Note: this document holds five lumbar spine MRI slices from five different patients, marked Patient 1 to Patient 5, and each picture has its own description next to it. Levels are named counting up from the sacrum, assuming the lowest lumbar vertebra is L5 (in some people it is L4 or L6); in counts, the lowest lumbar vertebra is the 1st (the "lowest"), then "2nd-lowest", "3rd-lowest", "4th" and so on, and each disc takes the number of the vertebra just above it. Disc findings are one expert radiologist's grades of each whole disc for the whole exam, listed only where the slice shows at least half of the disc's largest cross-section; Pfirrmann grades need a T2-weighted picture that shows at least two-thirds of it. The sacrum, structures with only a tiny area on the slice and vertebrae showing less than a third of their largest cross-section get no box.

Patient 1 of 5:
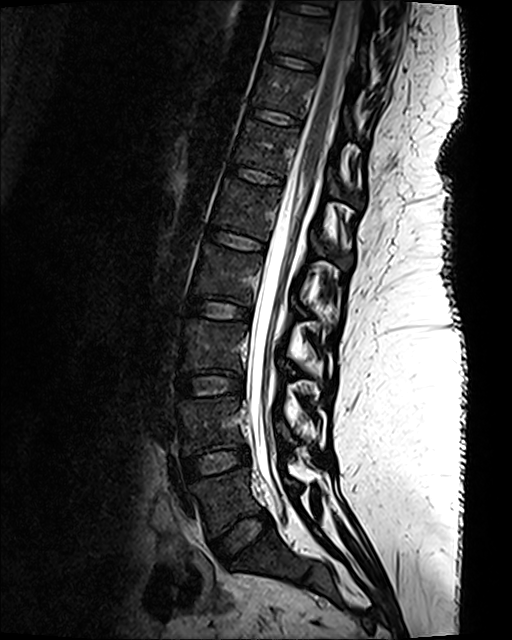

Lumbar spine MR, T2 SPACE (3D), sagittal, Slice spacing 0.9 mm, Slice 64/120

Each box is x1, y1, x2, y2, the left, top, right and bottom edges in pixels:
L3/L4 at 178, 374, 243, 396; T10/T11 at 266, 52, 318, 71; T11 at 252, 64, 351, 134; L4 vertebra at 177, 394, 296, 453; intervertebral disc L4/L5 at 183, 445, 250, 478; T12 vertebra at 234, 119, 363, 206; L5 at 189, 467, 299, 537; intervertebral disc L2/L3 at 187, 298, 250, 319; T10 vertebra at 270, 11, 366, 75; L3 at 180, 317, 298, 376; intervertebral disc T12/L1 at 229, 164, 282, 185; T11/T12 at 250, 106, 301, 124; spinal canal at 246, 0, 360, 507; L1/L2 at 207, 229, 264, 250; L1 at 212, 179, 350, 266; intervertebral disc L5/S1 at 213, 511, 272, 564; L2 at 192, 244, 307, 317.

Per-level radiological findings:
- L3/L4: Pfirrmann grade 1
- T12/L1: Pfirrmann grade 1
- L1/L2: Pfirrmann grade 1
- T11/T12: Pfirrmann grade 1
- L4/L5: Pfirrmann grade 1
- T10/T11: Pfirrmann grade 1
- L2/L3: Pfirrmann grade 1
- L5/S1: Pfirrmann grade 1

Patient 2 of 5:
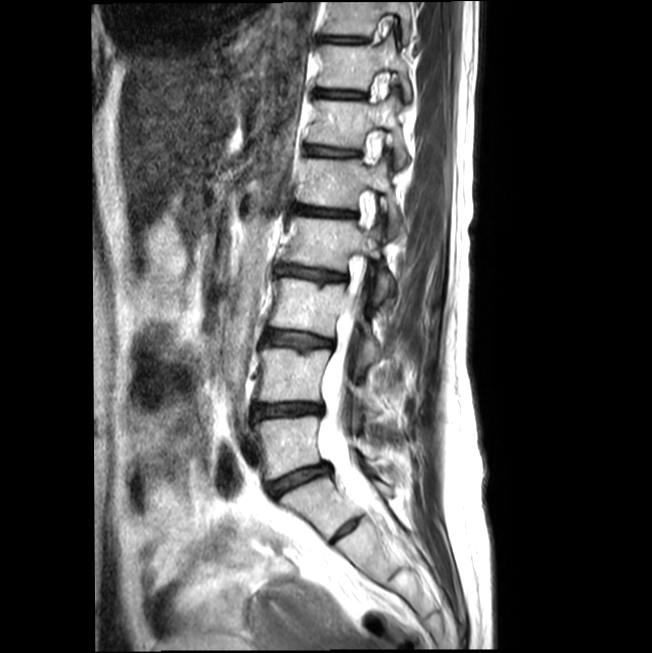

652x653 px | Sex F | MRI lumbar spine (T2-weighted), sagittal plane

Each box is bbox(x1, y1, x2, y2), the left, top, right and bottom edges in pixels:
IVD L2/L3 at bbox(277, 265, 345, 281); IVD T11/T12 at bbox(318, 91, 363, 97); L1/L2 at bbox(297, 205, 354, 216); T12 vertebra at bbox(308, 96, 407, 165); L5 vertebra at bbox(255, 415, 380, 479); T10 at bbox(325, 2, 410, 39); L1 at bbox(300, 158, 401, 233); IVD L4/L5 at bbox(254, 404, 321, 418); IVD L3/L4 at bbox(265, 331, 331, 349); spinal canal at bbox(319, 283, 381, 512); T10/T11 at bbox(323, 36, 365, 42); L2 vertebra at bbox(284, 217, 392, 299); T11 vertebra at bbox(317, 37, 410, 98); L5/S1 at bbox(268, 465, 329, 496); L4 at bbox(257, 348, 378, 416); IVD T12/L1 at bbox(308, 146, 358, 156); L3 vertebra at bbox(270, 278, 385, 363).

Expert MSK radiologist gradings (per disc):
• L3/L4: Pfirrmann grade 2, lower-endplate change, disc narrowing, upper-endplate change
• L2/L3: Pfirrmann grade 2, disc narrowing, lower-endplate change, upper-endplate change
• L5/S1: Pfirrmann grade 2, disc narrowing, disc bulging
• T12/L1: disc narrowing, upper-endplate change, lower-endplate change
• T10/T11: Pfirrmann grade 3, disc narrowing
• L4/L5: Pfirrmann grade 3, disc narrowing, disc herniation
• L1/L2: disc narrowing, upper-endplate change, lower-endplate change
• T11/T12: disc narrowing, upper-endplate change, lower-endplate change

Patient 3 of 5:
Patient sex: F; SIEMENS Avanto_fit (1.5T); MRI lumbar spine (T2 SPACE (3D)), sagittal plane; Sagittal slice index 62; Field of view 240x300 mm

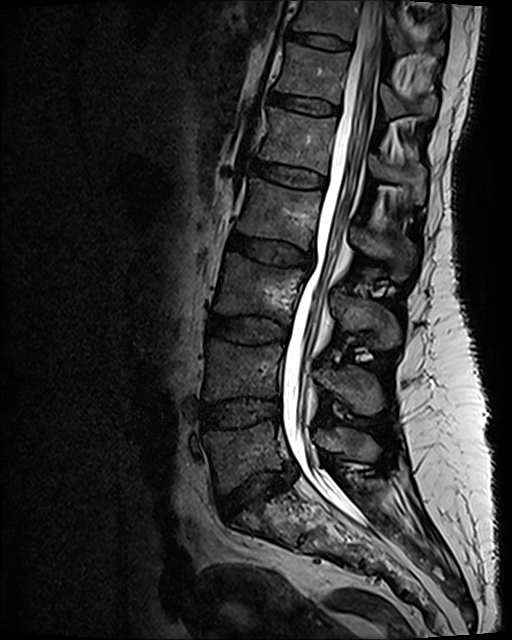 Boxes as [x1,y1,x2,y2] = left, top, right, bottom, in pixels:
• intervertebral disc L4/L5: [198,401,280,427]
• T12/L1: [271,92,338,113]
• T12 vertebra: [276,43,437,116]
• L5 vertebra: [204,422,378,491]
• thecal sac / spinal canal: [282,0,384,520]
• L2 vertebra: [237,179,417,280]
• intervertebral disc T11/T12: [286,33,350,49]
• L1/L2: [251,160,326,187]
• intervertebral disc L5/S1: [220,470,288,520]
• L2/L3: [228,231,312,266]
• L1: [259,108,425,204]
• L4: [204,340,381,414]
• L3: [214,254,399,350]
• T11 vertebra: [291,0,444,55]
• intervertebral disc L3/L4: [208,315,285,343]

Expert MSK radiologist gradings (per disc):
  L3/L4: Pfirrmann grade 3
  L2/L3: Pfirrmann grade 3, disc bulging
  L4/L5: Pfirrmann grade 3, disc bulging
  T11/T12: Pfirrmann grade 2
  T12/L1: Pfirrmann grade 2
  L5/S1: Pfirrmann grade 3, upper-endplate change, disc narrowing, lower-endplate change, disc herniation
  L1/L2: Pfirrmann grade 2

Patient 4 of 5:
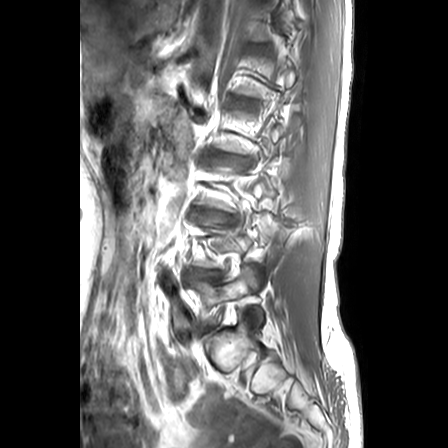
Field of view 280x280 mm. Sex F. Slice 20/24. T1-weighted sagittal MRI of the lumbar spine.
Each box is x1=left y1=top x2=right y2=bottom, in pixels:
L5 vertebra: x1=193 y1=266 x2=264 y2=327
disc L4/L5: x1=191 y1=269 x2=218 y2=281
disc L3/L4: x1=194 y1=209 x2=229 y2=221

Patient 5 of 5:
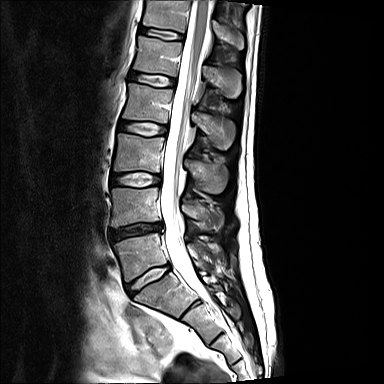
Lumbar spine MR, T2-weighted, sagittal. Patient sex: M.
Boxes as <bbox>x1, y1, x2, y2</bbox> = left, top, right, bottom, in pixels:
Structures:
• 5th disc at <bbox>129, 72, 175, 86</bbox>
• lowest disc at <bbox>126, 265, 169, 296</bbox>
• 4th disc at <bbox>119, 120, 167, 136</bbox>
• 3rd-lowest vertebra at <bbox>114, 133, 227, 193</bbox>
• 2nd-lowest disc at <bbox>109, 224, 161, 241</bbox>
• lowest vertebra at <bbox>114, 233, 225, 281</bbox>
• 6th vertebra at <bbox>143, 0, 243, 49</bbox>
• 6th disc at <bbox>139, 26, 183, 40</bbox>
• 4th vertebra at <bbox>123, 83, 233, 149</bbox>
• 3rd-lowest disc at <bbox>109, 173, 160, 186</bbox>
• 5th vertebra at <bbox>133, 36, 241, 98</bbox>
• 2nd-lowest vertebra at <bbox>111, 188, 224, 230</bbox>
• spinal canal at <bbox>160, 0, 209, 296</bbox>

Degenerative findings by level:
- 2nd-lowest disc: Pfirrmann grade 4, disc herniation, disc narrowing
- 6th disc: Pfirrmann grade 2
- 5th disc: Pfirrmann grade 2
- 3rd-lowest disc: Pfirrmann grade 2
- 4th disc: Pfirrmann grade 2
- lowest disc: Pfirrmann grade 2, disc bulging